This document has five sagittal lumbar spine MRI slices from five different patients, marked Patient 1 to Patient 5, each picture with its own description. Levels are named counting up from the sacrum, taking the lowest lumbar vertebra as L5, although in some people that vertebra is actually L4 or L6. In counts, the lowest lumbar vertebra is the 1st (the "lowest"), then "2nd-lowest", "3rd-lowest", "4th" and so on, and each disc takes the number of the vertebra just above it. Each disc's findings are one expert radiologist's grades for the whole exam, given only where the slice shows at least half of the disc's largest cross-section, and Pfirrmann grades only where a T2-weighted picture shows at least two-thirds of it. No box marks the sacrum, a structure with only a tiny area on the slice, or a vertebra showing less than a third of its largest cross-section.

Patient 1 of 5:
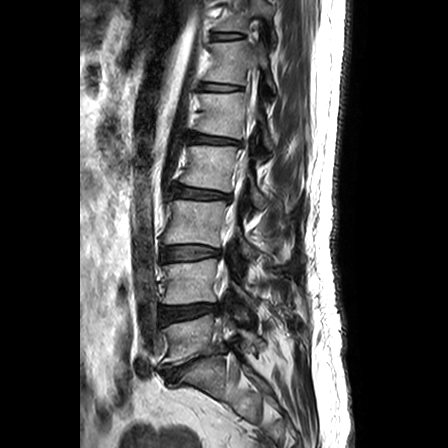 Slice 9/24; MRI lumbar spine (T2-weighted), sagittal plane

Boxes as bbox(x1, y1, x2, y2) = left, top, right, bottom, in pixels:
Structures:
* L4: bbox(163, 259, 255, 307)
* thecal sac / spinal canal: bbox(221, 100, 255, 278)
* intervertebral disc T11/T12: bbox(213, 34, 238, 39)
* L1/L2: bbox(189, 134, 237, 143)
* L1: bbox(195, 91, 273, 149)
* L5/S1: bbox(164, 345, 225, 380)
* T11: bbox(218, 0, 276, 43)
* T12 vertebra: bbox(206, 35, 276, 93)
* L5: bbox(164, 314, 263, 365)
* L2 vertebra: bbox(180, 130, 266, 208)
* intervertebral disc L3/L4: bbox(163, 246, 218, 260)
* L4/L5: bbox(163, 304, 217, 322)
* T12/L1: bbox(203, 83, 238, 90)
* L3: bbox(164, 200, 256, 258)
* L2/L3: bbox(172, 186, 229, 199)

Per-level radiological findings:
• L2/L3: Pfirrmann grade 3, disc bulging
• L3/L4: Pfirrmann grade 2, disc bulging
• L1/L2: Pfirrmann grade 3, Modic type II, lower-endplate change, disc bulging, upper-endplate change
• L5/S1: Pfirrmann grade 5, lower-endplate change, Modic type II, disc narrowing, upper-endplate change, spondylolisthesis, disc herniation, disc bulging
• T12/L1: Pfirrmann grade 1
• L4/L5: Pfirrmann grade 3, disc bulging, disc narrowing
• T11/T12: no Modic or endplate change, herniation, narrowing, bulging or spondylolisthesis recorded

Patient 2 of 5:
Image 658x661; Sagittal slice index 13; Philips Medical Systems Ingenia (1.5T); MRI lumbar spine (T2-weighted), sagittal plane

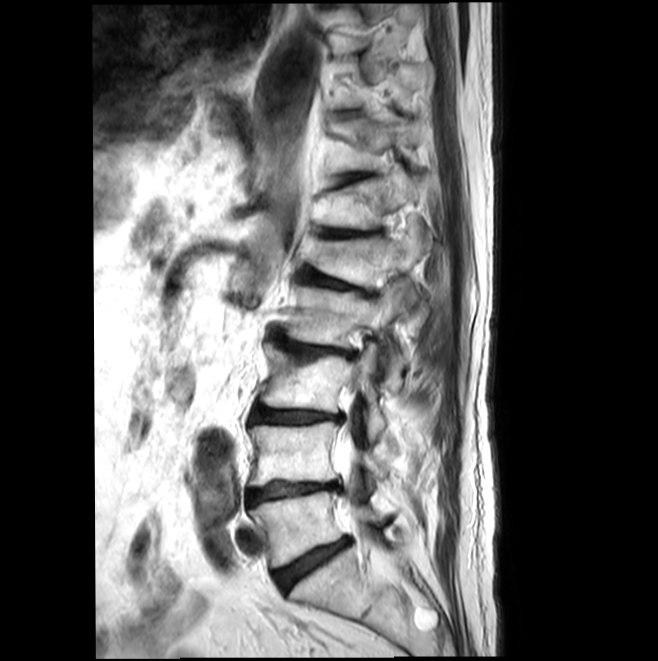
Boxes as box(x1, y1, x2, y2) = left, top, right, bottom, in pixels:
L5/S1 (lowest disc) at box(274, 538, 349, 591); T10/T11 (8th disc) at box(341, 111, 356, 118); L4/L5 (2nd-lowest disc) at box(247, 482, 340, 506); T11 (7th vertebra) at box(333, 116, 431, 173); thecal sac / spinal canal at box(339, 425, 365, 523); L2 (4th vertebra) at box(283, 282, 408, 387); intervertebral disc L3/L4 (3rd-lowest disc) at box(251, 407, 341, 424); L1 (5th vertebra) at box(315, 185, 432, 317); intervertebral disc T12/L1 (6th disc) at box(321, 229, 367, 238); intervertebral disc L1/L2 (5th disc) at box(303, 273, 376, 295); T12 (6th vertebra) at box(325, 168, 416, 229); L5 (lowest vertebra) at box(250, 491, 382, 567); L3 (3rd-lowest vertebra) at box(261, 344, 386, 438); intervertebral disc L2/L3 (4th disc) at box(269, 334, 354, 359); L4 (2nd-lowest vertebra) at box(249, 422, 387, 485); T11/T12 (7th disc) at box(338, 175, 364, 183).

Per-level radiological findings:
• L5/S1 (lowest disc): Pfirrmann grade 3, Modic type II, disc narrowing, disc bulging
• L4/L5 (2nd-lowest disc): Pfirrmann grade 5, Modic type II, upper-endplate change, disc narrowing, lower-endplate change, disc bulging
• L3/L4 (3rd-lowest disc): Pfirrmann grade 3, Modic type II, disc narrowing, lower-endplate change, upper-endplate change, disc bulging
• L2/L3 (4th disc): disc narrowing, upper-endplate change, disc bulging, Modic type II

Patient 3 of 5:
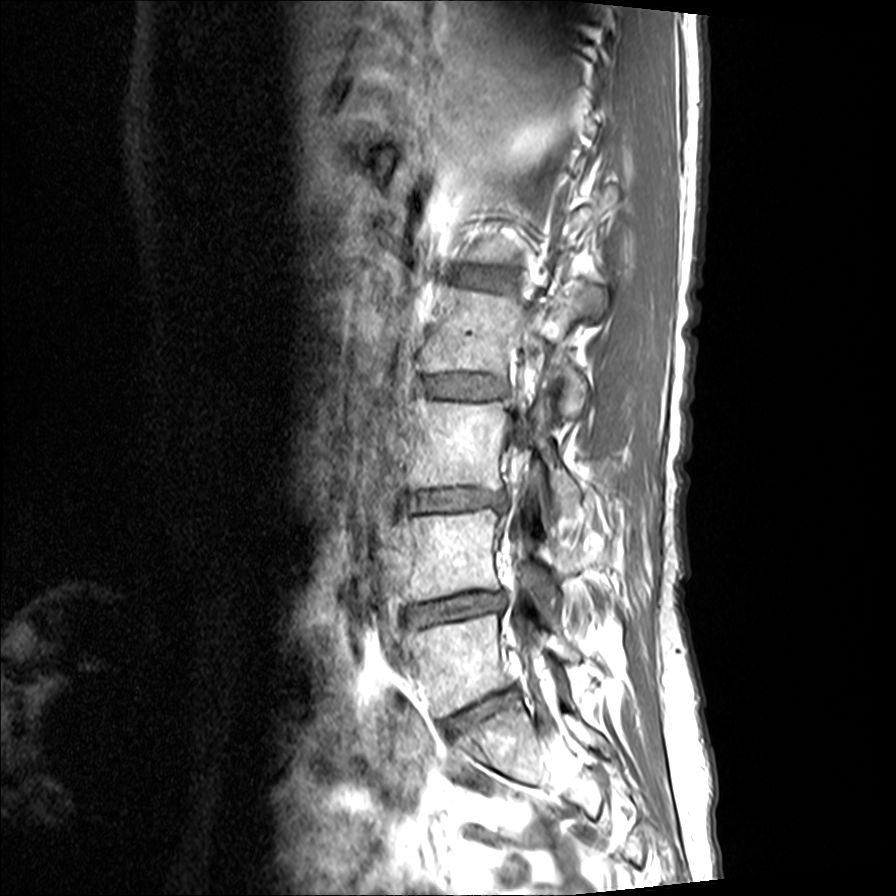 Field of view 280x280 mm | MRI lumbar spine (T1-weighted), sagittal plane | Sagittal slice index 4 | Sex F | 896x896 px
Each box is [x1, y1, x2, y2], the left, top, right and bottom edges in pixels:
{"L2/L3": "[422, 375, 506, 398]", "L4": "[397, 508, 577, 608]", "thecal sac / spinal canal": "[516, 539, 527, 644]", "L3/L4": "[401, 489, 504, 509]", "L3 vertebra": "[409, 381, 581, 511]", "L1/L2": "[451, 267, 514, 288]", "intervertebral disc L4/L5": "[405, 591, 504, 626]", "L2 vertebra": "[421, 281, 608, 415]", "L5 vertebra": "[403, 614, 579, 719]", "L5/S1": "[445, 689, 516, 734]"}

Per-level radiological findings:
• L2/L3: Modic type II
• L3/L4: disc bulging, disc narrowing
• L5/S1: disc narrowing, disc bulging
• L4/L5: disc bulging, disc narrowing
• L1/L2: no herniation, bulging, narrowing, spondylolisthesis, endplate or Modic change recorded

Patient 4 of 5:
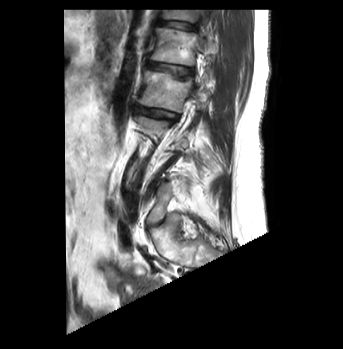 Sex F. Lumbar spine MR, T2-weighted, sagittal. Sagittal slice index 11.
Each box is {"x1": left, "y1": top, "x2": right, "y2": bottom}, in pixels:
4th vertebra at {"x1": 138, "y1": 70, "x2": 191, "y2": 112}, 4th disc at {"x1": 137, "y1": 106, "x2": 178, "y2": 122}, 6th vertebra at {"x1": 163, "y1": 10, "x2": 195, "y2": 22}, 5th vertebra at {"x1": 150, "y1": 27, "x2": 202, "y2": 65}, 6th disc at {"x1": 159, "y1": 20, "x2": 195, "y2": 30}, 5th disc at {"x1": 146, "y1": 60, "x2": 192, "y2": 78}.

Per-level radiological findings:
  5th disc: Pfirrmann grade 3, upper-endplate change
  6th disc: Pfirrmann grade 1, upper-endplate change
  4th disc: Pfirrmann grade 4, Modic type II, disc narrowing, disc bulging, lower-endplate change

Patient 5 of 5:
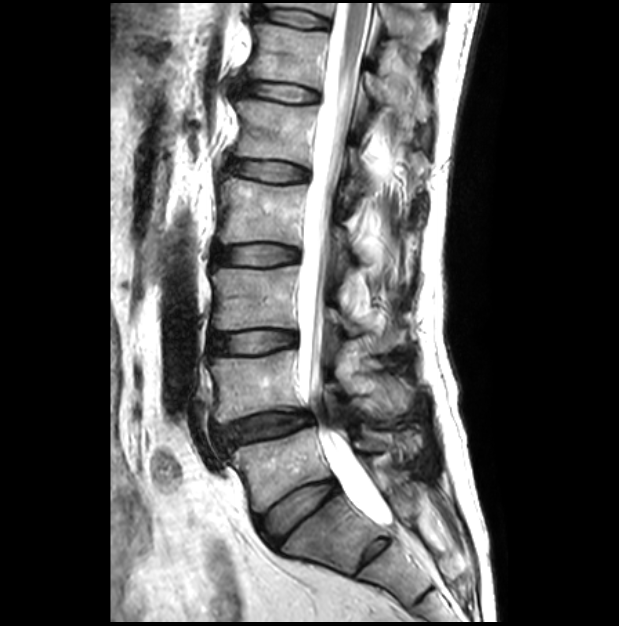
Lumbar spine MR, T2-weighted, sagittal. Slice 14 of 28.
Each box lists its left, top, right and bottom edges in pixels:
L2: left=218, top=178, right=411, bottom=283 | L3: left=211, top=267, right=404, bottom=352 | L1 vertebra: left=235, top=99, right=427, bottom=201 | disc L5/S1: left=257, top=480, right=337, bottom=543 | disc T11/T12: left=258, top=10, right=328, bottom=27 | L4 vertebra: left=210, top=350, right=411, bottom=424 | T12 vertebra: left=247, top=24, right=428, bottom=121 | L3/L4: left=210, top=331, right=295, bottom=356 | L2/L3: left=213, top=245, right=297, bottom=266 | thecal sac / spinal canal: left=298, top=0, right=390, bottom=524 | disc T12/L1: left=240, top=82, right=317, bottom=101 | L5 vertebra: left=229, top=428, right=422, bottom=511 | T11 vertebra: left=265, top=2, right=438, bottom=49 | L4/L5: left=221, top=412, right=311, bottom=446 | disc L1/L2: left=228, top=160, right=308, bottom=181

Expert MSK radiologist gradings (per disc):
• L5/S1: Pfirrmann grade 2
• T12/L1: Pfirrmann grade 1
• L3/L4: Pfirrmann grade 1
• L2/L3: Pfirrmann grade 1
• L4/L5: Pfirrmann grade 3, disc bulging, spondylolisthesis, disc narrowing, upper-endplate change, lower-endplate change
• T11/T12: Pfirrmann grade 1
• L1/L2: no herniation, bulging, narrowing, spondylolisthesis, endplate or Modic change recorded